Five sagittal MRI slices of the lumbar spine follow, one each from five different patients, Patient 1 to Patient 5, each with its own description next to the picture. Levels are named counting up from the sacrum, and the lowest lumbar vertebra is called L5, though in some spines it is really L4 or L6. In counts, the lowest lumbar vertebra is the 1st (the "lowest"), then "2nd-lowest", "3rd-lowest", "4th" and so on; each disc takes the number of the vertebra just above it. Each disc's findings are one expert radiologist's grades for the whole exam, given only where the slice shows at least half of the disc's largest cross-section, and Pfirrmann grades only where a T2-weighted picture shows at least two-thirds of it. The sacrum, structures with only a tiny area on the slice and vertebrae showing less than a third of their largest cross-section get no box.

Patient 1 of 5:
Sagittal T1-weighted lumbar spine MRI. Image 448x450.
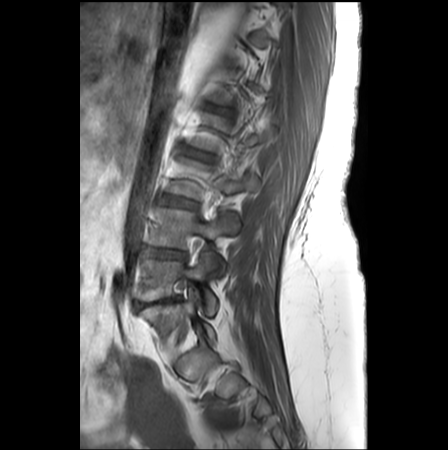

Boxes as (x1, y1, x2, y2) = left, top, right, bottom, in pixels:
Annotations:
• intervertebral disc L4/L5 (2nd-lowest disc): (142, 247, 185, 259)
• L2/L3 (4th disc): (184, 148, 213, 162)
• L5/S1 (lowest disc): (138, 297, 180, 307)
• intervertebral disc L3/L4 (3rd-lowest disc): (159, 195, 197, 208)
• L4 (2nd-lowest vertebra): (147, 208, 238, 273)
• L5 (lowest vertebra): (137, 251, 217, 314)
• L3 (3rd-lowest vertebra): (166, 158, 258, 199)

Expert MSK radiologist gradings (per disc):
  L3/L4 (3rd-lowest disc): disc bulging, Modic type II
  L4/L5 (2nd-lowest disc): disc bulging, disc herniation

Patient 2 of 5:
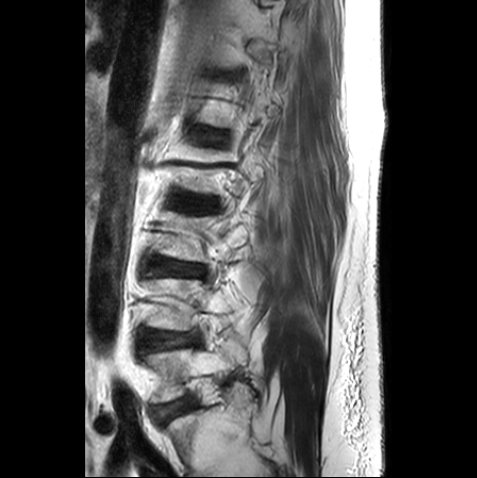 Lumbar spine MR, T2-weighted, sagittal, Sex M, Image 477x478
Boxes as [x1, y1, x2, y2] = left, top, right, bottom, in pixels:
{"4th disc": "[176, 192, 215, 211]", "5th disc": "[199, 129, 226, 143]", "3rd-lowest disc": "[150, 257, 203, 276]", "2nd-lowest disc": "[144, 330, 200, 349]", "lowest vertebra": "[144, 349, 244, 401]"}

Patient 3 of 5:
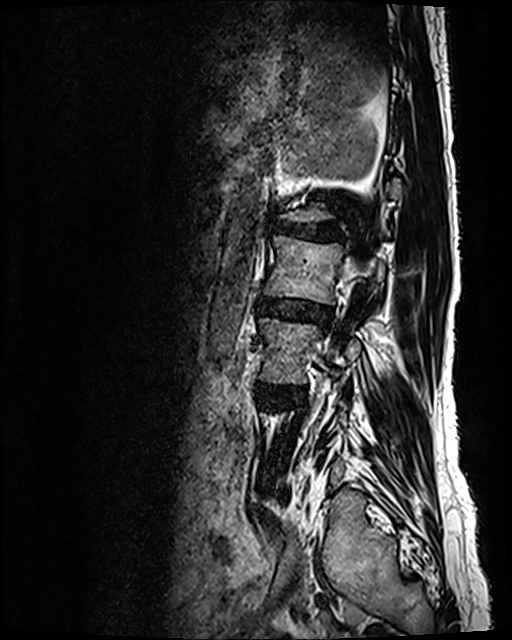
Slice 28 of 120 | 512x640 px | Lumbar spine MR, T2 SPACE (3D), sagittal | Field of view 240x300 mm | Patient sex: F
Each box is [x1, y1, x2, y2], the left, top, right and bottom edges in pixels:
4th disc at [259, 298, 331, 323], 5th disc at [278, 221, 339, 240], 3rd-lowest disc at [261, 385, 297, 401], 3rd-lowest vertebra at [260, 318, 360, 383], 4th vertebra at [264, 236, 385, 304].

Degenerative findings by level:
- 5th disc: Pfirrmann grade 5, Modic type II, lower-endplate change, disc narrowing, upper-endplate change, disc bulging
- 4th disc: Pfirrmann grade 3, disc bulging, disc narrowing

Patient 4 of 5:
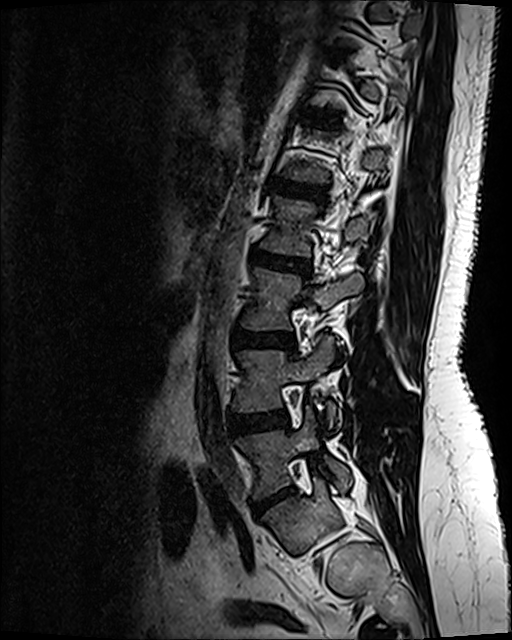

Sagittal T2 SPACE (3D) lumbar spine MRI
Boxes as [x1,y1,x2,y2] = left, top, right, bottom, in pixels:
4th vertebra at [261,198,376,255].
3rd-lowest disc at [235,331,293,349].
2nd-lowest vertebra at [233,336,335,426].
2nd-lowest disc at [229,414,288,434].
5th disc at [269,180,327,200].
4th disc at [251,251,308,274].
3rd-lowest vertebra at [243,269,363,330].
Lowest vertebra at [238,407,351,498].
6th disc at [317,118,332,127].
Lowest disc at [252,489,291,513].

Radiological gradings:
- 5th disc: Pfirrmann grade 2, lower-endplate change, upper-endplate change
- 3rd-lowest disc: disc bulging
- 4th disc: Pfirrmann grade 4, disc bulging, upper-endplate change, lower-endplate change
- 2nd-lowest disc: disc bulging

Patient 5 of 5:
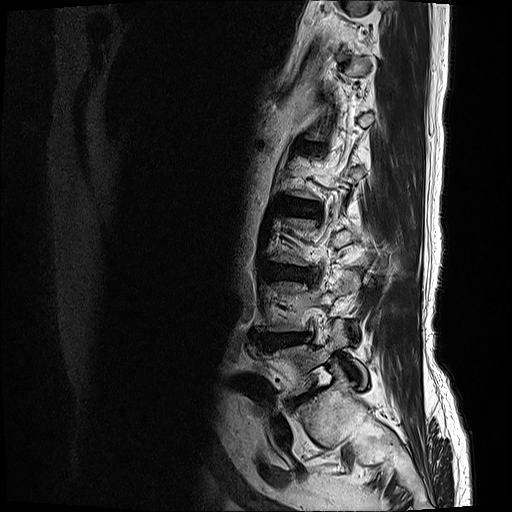

Sagittal slice index 2. Lumbar spine MR, T2-weighted, sagittal. 512x512 px.
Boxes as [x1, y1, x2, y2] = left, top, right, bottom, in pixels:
Segmented structures:
* 4th disc: [289, 200, 320, 215]
* 3rd-lowest disc: [264, 265, 316, 281]
* 2nd-lowest disc: [264, 334, 310, 349]
* lowest disc: [290, 392, 314, 406]
* lowest vertebra: [264, 319, 367, 396]

Degenerative findings by level:
  3rd-lowest disc: Pfirrmann grade 4, Modic type II, disc narrowing, disc bulging, lower-endplate change